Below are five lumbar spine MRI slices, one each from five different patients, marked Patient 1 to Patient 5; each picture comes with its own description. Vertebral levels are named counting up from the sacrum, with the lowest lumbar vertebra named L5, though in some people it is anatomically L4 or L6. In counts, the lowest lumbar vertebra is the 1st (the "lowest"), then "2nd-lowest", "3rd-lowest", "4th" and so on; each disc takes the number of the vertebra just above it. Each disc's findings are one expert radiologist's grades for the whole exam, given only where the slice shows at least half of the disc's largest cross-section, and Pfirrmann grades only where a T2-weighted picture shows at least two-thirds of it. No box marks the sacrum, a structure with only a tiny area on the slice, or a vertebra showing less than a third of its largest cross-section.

Patient 1 of 5:
Scanner: SIEMENS SymphonyTim (1.5T) | Sagittal T1-weighted lumbar spine MRI

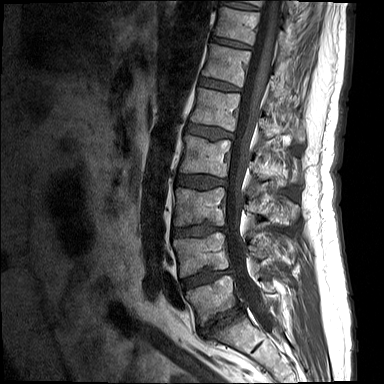

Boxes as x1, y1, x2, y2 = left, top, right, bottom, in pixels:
6th vertebra at 202, 43, 298, 105; 6th disc at 199, 77, 240, 91; 4th vertebra at 179, 135, 299, 182; 8th vertebra at 243, 0, 297, 17; 5th disc at 186, 123, 233, 140; 4th disc at 177, 175, 226, 189; 7th disc at 211, 37, 251, 49; 8th disc at 219, 1, 260, 10; 2nd-lowest vertebra at 173, 232, 288, 277; 3rd-lowest vertebra at 173, 187, 299, 225; spinal canal at 225, 0, 282, 332; 5th vertebra at 190, 88, 304, 143; 7th vertebra at 214, 7, 291, 57; 3rd-lowest disc at 173, 224, 227, 236; lowest vertebra at 186, 275, 275, 324; lowest disc at 199, 303, 242, 333; 2nd-lowest disc at 181, 268, 233, 289.

Degenerative findings by level:
- 4th disc: disc bulging
- 5th disc: disc bulging, upper-endplate change
- lowest disc: lower-endplate change, disc bulging, upper-endplate change, Modic type II, disc narrowing
- 2nd-lowest disc: lower-endplate change, disc narrowing, upper-endplate change, Modic type II, disc bulging
- 3rd-lowest disc: disc bulging, lower-endplate change, disc narrowing, upper-endplate change
- 7th disc, 6th disc, 8th disc: no herniation, bulging, narrowing, spondylolisthesis, endplate or Modic change recorded

Patient 2 of 5:
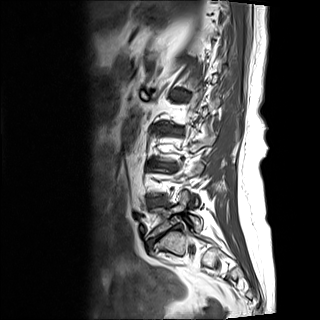 Patient sex: F | Lumbar spine MR, T1-weighted, sagittal | Image 320x320

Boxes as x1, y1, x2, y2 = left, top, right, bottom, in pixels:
Lowest vertebra — 147, 192, 202, 238.
Lowest disc — 147, 224, 182, 246.
3rd-lowest disc — 151, 163, 177, 168.
2nd-lowest disc — 148, 198, 166, 206.
4th disc — 154, 126, 176, 132.

Patient 3 of 5:
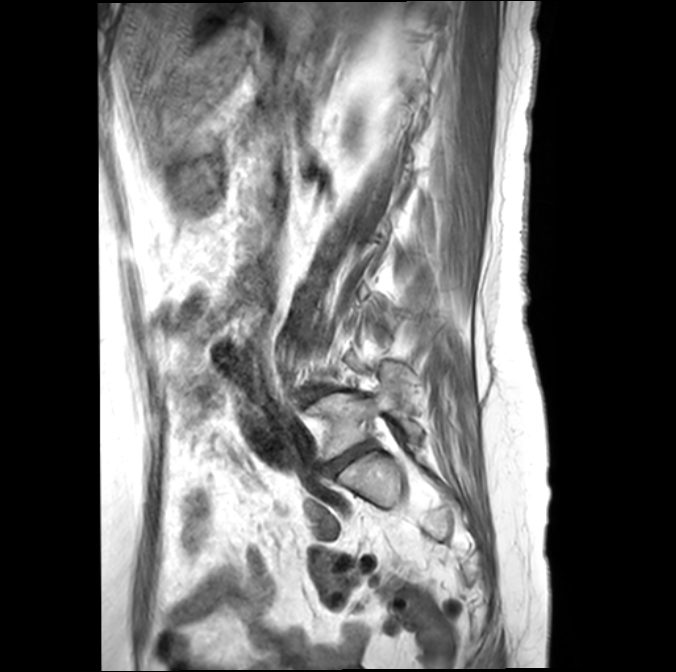 Image 676x672, Lumbar spine MR, T1-weighted, sagittal
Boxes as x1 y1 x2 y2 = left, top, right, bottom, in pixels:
Disc L5/S1 (lowest disc) at 325 443 373 472, L5 (lowest vertebra) at 307 380 421 458.

Patient 4 of 5:
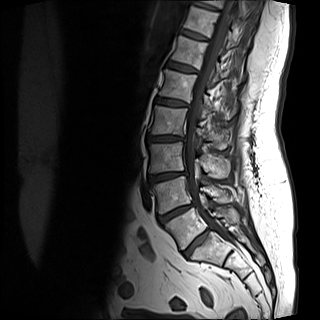
Lumbar spine MR, T1-weighted, sagittal, Patient sex: M, Slice 8 of 15
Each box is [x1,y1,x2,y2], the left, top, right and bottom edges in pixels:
8th vertebra = [195,0,243,16].
6th disc = [166,61,196,72].
4th disc = [147,135,184,141].
7th disc = [181,30,207,40].
8th disc = [196,4,218,11].
5th disc = [155,97,188,106].
3rd-lowest vertebra = [148,142,229,177].
3rd-lowest disc = [148,171,187,184].
2nd-lowest vertebra = [151,176,229,214].
5th vertebra = [159,69,237,113].
Spinal canal = [184,0,241,249].
2nd-lowest disc = [157,204,194,224].
Lowest disc = [182,230,208,257].
7th vertebra = [184,6,249,48].
Lowest vertebra = [165,207,239,249].
6th vertebra = [171,36,241,82].
4th vertebra = [147,105,230,148].

Per-level radiological findings:
• lowest disc: lower-endplate change
• 2nd-lowest disc: disc bulging, disc narrowing
• 3rd-lowest disc: disc narrowing, disc bulging
• 4th disc: disc narrowing, disc bulging
• 8th disc, 7th disc, 6th disc, 5th disc: no spondylolisthesis, narrowing, bulging, herniation, Modic or endplate change recorded

Patient 5 of 5:
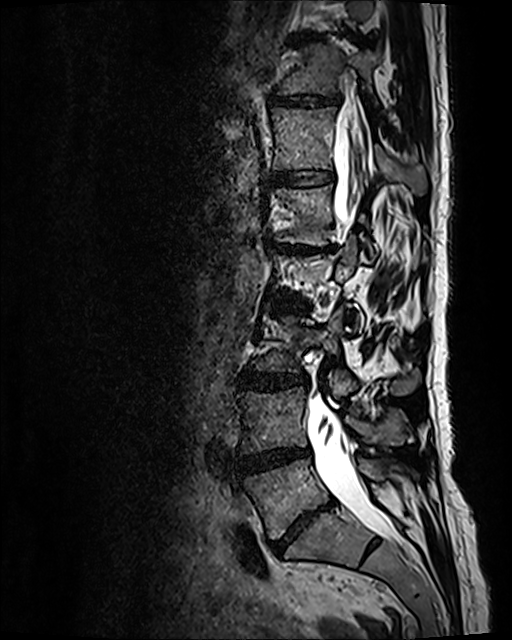 Sagittal T2 SPACE (3D) lumbar spine MRI.

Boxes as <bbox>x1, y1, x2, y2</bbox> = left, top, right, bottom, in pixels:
T12 vertebra — <bbox>271, 108, 426, 194</bbox> | L5 — <bbox>242, 458, 384, 539</bbox> | T11/T12 — <bbox>269, 92, 340, 110</bbox> | L4 — <bbox>237, 387, 407, 453</bbox> | L1/L2 — <bbox>270, 243, 334, 254</bbox> | L1 vertebra — <bbox>269, 185, 426, 261</bbox> | T11 — <bbox>278, 43, 381, 104</bbox> | L2/L3 — <bbox>268, 299, 306, 311</bbox> | L5/S1 — <bbox>272, 503, 331, 552</bbox> | L3 — <bbox>252, 310, 420, 396</bbox> | intervertebral disc L3/L4 — <bbox>238, 371, 305, 389</bbox> | spinal canal — <bbox>308, 98, 402, 547</bbox> | L4/L5 — <bbox>235, 450, 309, 474</bbox> | intervertebral disc T12/L1 — <bbox>271, 169, 333, 188</bbox>

Expert MSK radiologist gradings (per disc):
- L4/L5: Pfirrmann grade 4, Modic type II, disc bulging, disc narrowing
- T12/L1: Pfirrmann grade 2
- L3/L4: disc bulging
- L5/S1: Pfirrmann grade 5, disc narrowing, upper-endplate change, lower-endplate change, disc bulging, Modic type II
- T11/T12: Pfirrmann grade 3, disc narrowing, disc bulging
- L1/L2: Pfirrmann grade 5, Modic type II, lower-endplate change, upper-endplate change, disc bulging, disc narrowing